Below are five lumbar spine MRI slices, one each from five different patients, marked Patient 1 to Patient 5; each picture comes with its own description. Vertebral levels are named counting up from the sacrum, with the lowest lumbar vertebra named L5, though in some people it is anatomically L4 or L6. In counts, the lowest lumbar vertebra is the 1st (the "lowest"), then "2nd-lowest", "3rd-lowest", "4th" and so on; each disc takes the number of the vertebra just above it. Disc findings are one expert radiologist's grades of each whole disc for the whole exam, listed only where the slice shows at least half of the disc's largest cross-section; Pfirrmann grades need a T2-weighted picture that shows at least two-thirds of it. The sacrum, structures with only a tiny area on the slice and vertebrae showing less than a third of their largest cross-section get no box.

Patient 1 of 5:
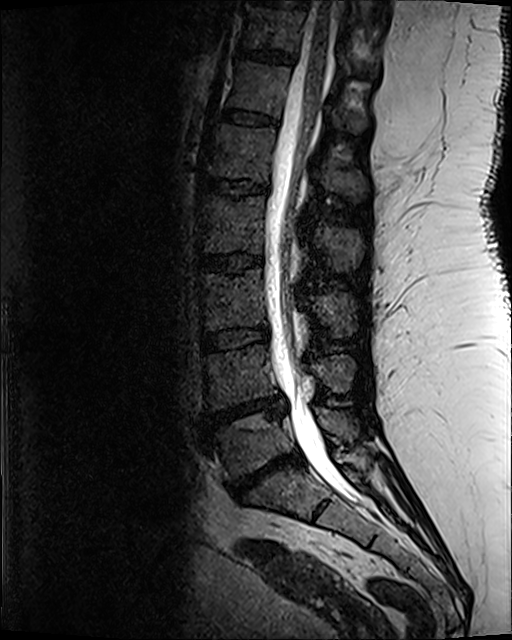 Image 512x640 | Sagittal slice index 61 | T2 SPACE (3D) sagittal MRI of the lumbar spine | Sex F

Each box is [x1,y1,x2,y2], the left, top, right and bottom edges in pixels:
{"L1 vertebra": "[212,124,367,202]", "thecal sac / spinal canal": "[265,1,365,505]", "disc T10/T11": "[255,0,309,7]", "L5/S1": "[228,453,301,499]", "disc L4/L5": "[207,397,285,423]", "L3": "[198,270,354,336]", "T11 vertebra": "[243,6,372,73]", "L3/L4": "[201,328,269,350]", "L4 vertebra": "[204,346,354,409]", "L5 vertebra": "[209,410,357,476]", "disc T11/T12": "[238,50,291,63]", "L2/L3": "[197,255,262,273]", "disc L1/L2": "[206,178,267,194]", "disc T12/L1": "[223,109,276,123]", "T12": "[229,63,366,132]", "L2": "[199,197,363,271]"}

Per-level radiological findings:
• T12/L1: Pfirrmann grade 3
• L4/L5: Pfirrmann grade 5, upper-endplate change, disc herniation, disc narrowing, lower-endplate change, Modic type II
• L3/L4: Pfirrmann grade 3
• L1/L2: Pfirrmann grade 3, lower-endplate change
• T11/T12: Pfirrmann grade 3, lower-endplate change
• L2/L3: Pfirrmann grade 3, lower-endplate change, upper-endplate change
• L5/S1: Pfirrmann grade 5, disc herniation, lower-endplate change, disc narrowing, upper-endplate change, Modic type II

Patient 2 of 5:
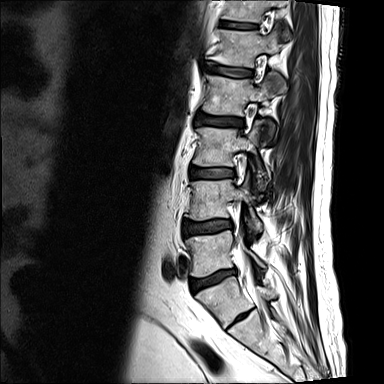 T2-weighted sagittal MRI of the lumbar spine. Image 384x384.
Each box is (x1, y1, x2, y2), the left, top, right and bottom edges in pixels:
Structures:
- intervertebral disc L3/L4 (3rd-lowest disc): (190, 168, 234, 178)
- L5/S1 (lowest disc): (190, 270, 236, 291)
- L4 (2nd-lowest vertebra): (185, 175, 262, 231)
- T12 (6th vertebra): (222, 0, 289, 38)
- L5 (lowest vertebra): (185, 230, 265, 276)
- intervertebral disc L1/L2 (5th disc): (206, 63, 253, 76)
- L3 (3rd-lowest vertebra): (193, 120, 266, 187)
- L2 (4th vertebra): (203, 72, 286, 139)
- T12/L1 (6th disc): (220, 21, 256, 29)
- intervertebral disc L2/L3 (4th disc): (197, 114, 243, 128)
- L1 (5th vertebra): (208, 29, 280, 67)
- intervertebral disc L4/L5 (2nd-lowest disc): (183, 220, 232, 235)

Radiological gradings:
• L4/L5 (2nd-lowest disc): Pfirrmann grade 2, upper-endplate change, lower-endplate change, disc bulging
• T12/L1 (6th disc): Pfirrmann grade 2
• L1/L2 (5th disc): Pfirrmann grade 2, upper-endplate change, Modic type II, lower-endplate change
• L3/L4 (3rd-lowest disc): Pfirrmann grade 2
• L5/S1 (lowest disc): Pfirrmann grade 3, disc herniation, lower-endplate change, disc narrowing, upper-endplate change, Modic type II
• L2/L3 (4th disc): Pfirrmann grade 3, disc bulging, lower-endplate change, Modic type II, upper-endplate change

Patient 3 of 5:
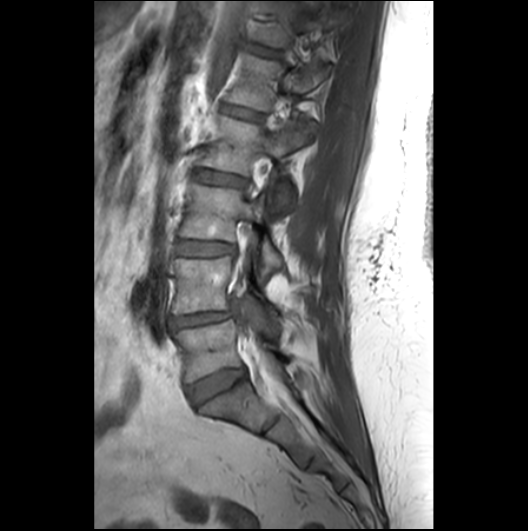

Patient sex: F, 528x531 px, Lumbar spine MR, T1-weighted, sagittal
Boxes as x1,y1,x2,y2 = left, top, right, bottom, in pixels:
2nd-lowest vertebra: 172,256,277,318 | 6th vertebra: 256,5,341,46 | 5th vertebra: 227,54,330,110 | lowest disc: 187,367,245,404 | 6th disc: 248,44,278,55 | 2nd-lowest disc: 168,305,238,328 | 3rd-lowest vertebra: 179,184,283,274 | lowest vertebra: 174,319,286,381 | 4th disc: 194,169,246,185 | 4th vertebra: 199,116,315,212 | 5th disc: 221,104,263,121 | spinal canal: 240,268,286,396 | 3rd-lowest disc: 178,239,235,255

Per-level radiological findings:
  2nd-lowest disc: disc herniation, disc narrowing
  3rd-lowest disc, 5th disc, 4th disc, lowest disc: no spondylolisthesis, narrowing, bulging, herniation, Modic or endplate change recorded

Patient 4 of 5:
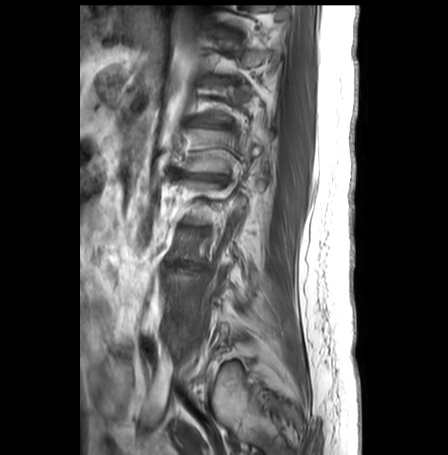

Field of view 280x284 mm, Sagittal slice index 6, Sagittal T1-weighted lumbar spine MRI
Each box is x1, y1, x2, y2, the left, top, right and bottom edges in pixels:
Structures:
* L1/L2: 174, 169, 226, 179
* L1: 181, 128, 272, 171

Per-level radiological findings:
  L1/L2: lower-endplate change, disc narrowing, upper-endplate change, disc bulging, Modic type II

Patient 5 of 5:
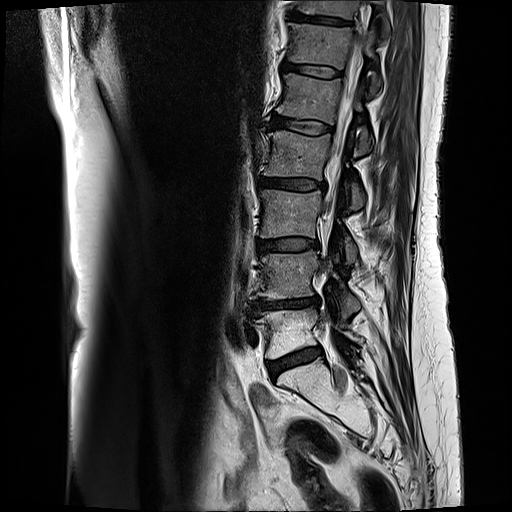 Image 512x512; Slice 14/17; T2-weighted sagittal MRI of the lumbar spine; Sex F

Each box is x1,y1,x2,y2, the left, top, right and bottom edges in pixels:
7th vertebra at 299,0,389,30; 4th vertebra at 265,131,364,209; 4th disc at 259,178,326,189; 7th disc at 290,11,348,24; 5th disc at 267,113,331,133; spinal canal at 323,44,361,222; 3rd-lowest vertebra at 260,189,356,263; 6th vertebra at 289,24,380,92; 3rd-lowest disc at 257,238,318,253; 2nd-lowest vertebra at 252,251,359,318; 5th vertebra at 277,74,372,153; 2nd-lowest disc at 247,296,319,313; 6th disc at 283,62,341,77; lowest disc at 268,348,321,377; lowest vertebra at 255,308,361,357.

Expert MSK radiologist gradings (per disc):
- 2nd-lowest disc: lower-endplate change, disc narrowing, disc bulging, Modic type II, upper-endplate change
- 7th disc: Pfirrmann grade 4, lower-endplate change, upper-endplate change, Modic type II
- 3rd-lowest disc: Pfirrmann grade 3, Modic type II, disc bulging
- 4th disc: Pfirrmann grade 3, Modic type II, disc bulging
- lowest disc: disc bulging, Modic type II
- 5th disc: Pfirrmann grade 3, Modic type II
- 6th disc: Pfirrmann grade 3, Modic type II